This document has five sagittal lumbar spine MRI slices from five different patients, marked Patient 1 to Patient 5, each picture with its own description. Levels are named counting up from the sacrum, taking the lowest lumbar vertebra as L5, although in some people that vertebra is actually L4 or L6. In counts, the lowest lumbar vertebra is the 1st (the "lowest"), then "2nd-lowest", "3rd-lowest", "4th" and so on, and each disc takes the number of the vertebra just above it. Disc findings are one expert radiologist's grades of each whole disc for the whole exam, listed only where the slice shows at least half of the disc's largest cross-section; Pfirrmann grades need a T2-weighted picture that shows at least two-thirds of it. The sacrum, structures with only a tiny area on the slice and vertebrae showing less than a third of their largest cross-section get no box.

Patient 1 of 5:
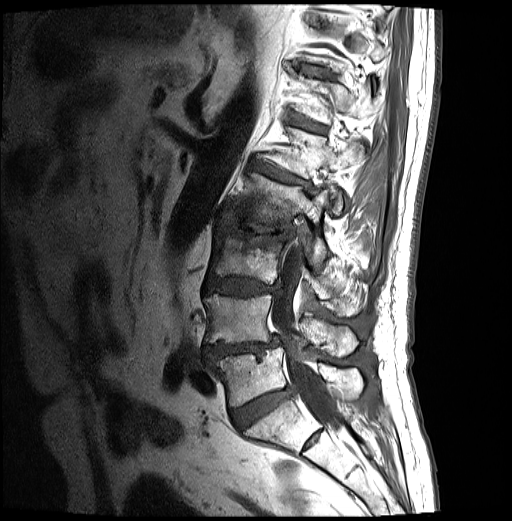

Lumbar spine MR, T1-weighted, sagittal. Image 512x521. Slice 16 of 30. Slice spacing 3.2 mm.

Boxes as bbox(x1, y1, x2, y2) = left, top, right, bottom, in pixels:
Annotations:
- lowest disc = bbox(232, 389, 290, 428)
- 4th vertebra = bbox(225, 173, 329, 266)
- 6th vertebra = bbox(293, 74, 375, 124)
- spinal canal = bbox(272, 241, 341, 431)
- 7th disc = bbox(300, 67, 328, 77)
- 6th disc = bbox(290, 115, 325, 132)
- 4th disc = bbox(217, 219, 291, 246)
- lowest vertebra = bbox(215, 346, 362, 406)
- 5th vertebra = bbox(258, 126, 363, 215)
- 3rd-lowest vertebra = bbox(209, 230, 360, 316)
- 5th disc = bbox(250, 160, 310, 189)
- 3rd-lowest disc = bbox(204, 278, 274, 296)
- 2nd-lowest disc = bbox(207, 338, 278, 358)
- 2nd-lowest vertebra = bbox(204, 294, 357, 355)

Per-level radiological findings:
  4th disc: disc narrowing, upper-endplate change, disc bulging, lower-endplate change, Modic type I
  2nd-lowest disc: spondylolisthesis, lower-endplate change, Modic type II, disc narrowing, disc herniation, disc bulging, upper-endplate change
  3rd-lowest disc: upper-endplate change, lower-endplate change, disc bulging
  5th disc: disc bulging, Modic type II, lower-endplate change, upper-endplate change
  lowest disc: no spondylolisthesis, narrowing, bulging, herniation, Modic or endplate change recorded

Patient 2 of 5:
Image 619x626; Patient sex: M; Slice 8/28; MRI lumbar spine (T1-weighted), sagittal plane

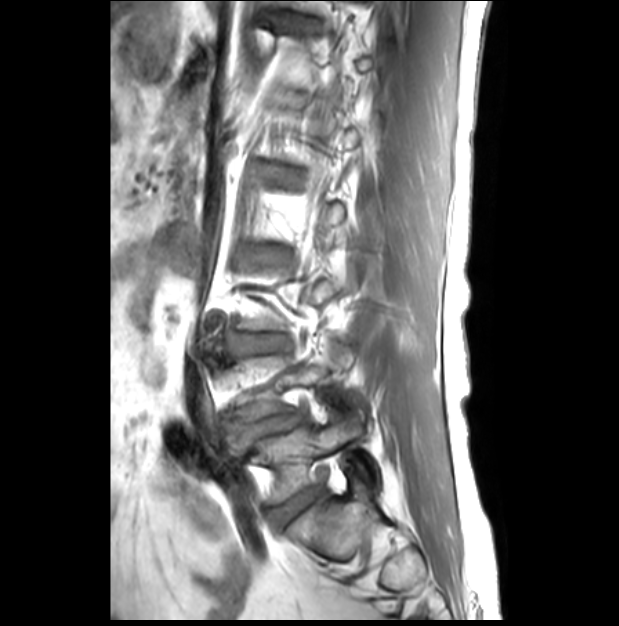 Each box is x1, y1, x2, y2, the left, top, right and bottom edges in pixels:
2nd-lowest disc at 257, 414, 296, 434; 4th disc at 233, 244, 292, 267; 5th disc at 253, 161, 303, 189; lowest disc at 273, 487, 324, 525; 3rd-lowest disc at 207, 334, 288, 356; lowest vertebra at 255, 414, 379, 502.

Radiological gradings:
  4th disc, 3rd-lowest disc: no herniation, bulging, narrowing, spondylolisthesis, endplate or Modic change recorded

Patient 3 of 5:
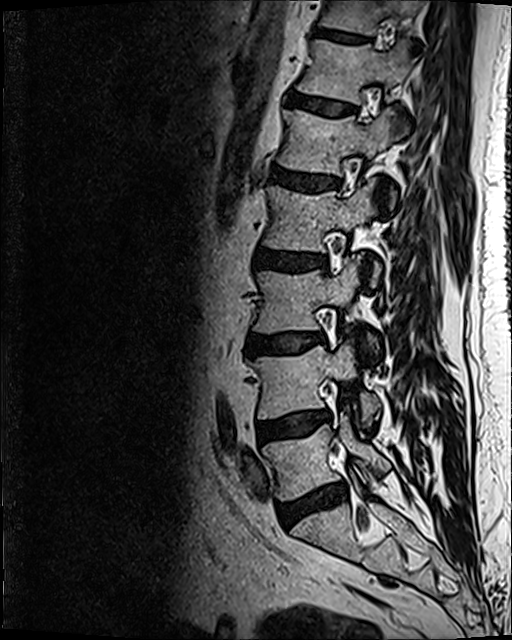 Patient sex: M. MRI lumbar spine (T2 SPACE (3D)), sagittal plane.
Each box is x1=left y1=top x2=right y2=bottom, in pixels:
T11/T12 at x1=315 y1=28 x2=370 y2=43, L4 vertebra at x1=255 y1=340 x2=379 y2=425, L5 vertebra at x1=262 y1=414 x2=390 y2=500, L2 vertebra at x1=263 y1=181 x2=381 y2=285, L1 vertebra at x1=278 y1=110 x2=398 y2=207, disc L2/L3 at x1=255 y1=249 x2=323 y2=269, disc L4/L5 at x1=257 y1=411 x2=328 y2=443, L3 at x1=253 y1=256 x2=375 y2=344, T11 vertebra at x1=321 y1=0 x2=420 y2=34, T12/L1 at x1=290 y1=91 x2=355 y2=114, T12 at x1=297 y1=40 x2=413 y2=104, L3/L4 at x1=244 y1=333 x2=321 y2=355, L1/L2 at x1=270 y1=166 x2=339 y2=193, L5/S1 at x1=277 y1=484 x2=346 y2=525.

Degenerative findings by level:
• L1/L2: Pfirrmann grade 3, disc bulging
• T11/T12: Pfirrmann grade 3
• L5/S1: Pfirrmann grade 3, Modic type II, disc bulging, disc narrowing
• T12/L1: Pfirrmann grade 2
• L2/L3: Pfirrmann grade 3, disc bulging
• L3/L4: Pfirrmann grade 2, disc bulging, Modic type II
• L4/L5: Pfirrmann grade 2, Modic type II, disc bulging

Patient 4 of 5:
Image 512x640. MRI lumbar spine (T2 SPACE (3D)), sagittal plane. Slice 74 of 120.

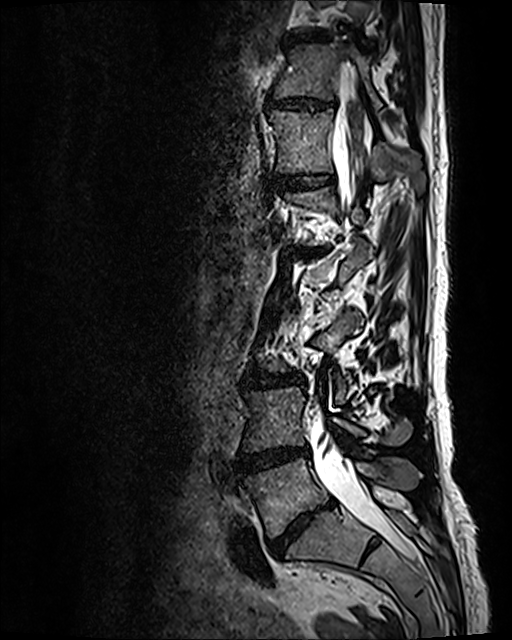

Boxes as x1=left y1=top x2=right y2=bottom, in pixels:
Segmented structures:
• 6th disc — x1=275 y1=174 x2=333 y2=189
• 5th disc — x1=286 y1=246 x2=328 y2=255
• thecal sac / spinal canal — x1=311 y1=61 x2=411 y2=558
• 6th vertebra — x1=268 y1=110 x2=425 y2=192
• 8th disc — x1=290 y1=37 x2=327 y2=43
• 7th vertebra — x1=274 y1=43 x2=382 y2=110
• 2nd-lowest disc — x1=237 y1=448 x2=308 y2=475
• 3rd-lowest disc — x1=243 y1=369 x2=302 y2=387
• lowest vertebra — x1=243 y1=457 x2=421 y2=538
• lowest disc — x1=270 y1=504 x2=330 y2=554
• 7th disc — x1=266 y1=95 x2=336 y2=111
• 2nd-lowest vertebra — x1=243 y1=387 x2=411 y2=452

Degenerative findings by level:
- 3rd-lowest disc: disc bulging
- lowest disc: Pfirrmann grade 5, disc narrowing, Modic type II, disc bulging, upper-endplate change, lower-endplate change
- 2nd-lowest disc: Pfirrmann grade 4, Modic type II, disc bulging, disc narrowing
- 7th disc: Pfirrmann grade 3, disc narrowing, disc bulging
- 6th disc: no spondylolisthesis, narrowing, bulging, herniation, Modic or endplate change recorded

Patient 5 of 5:
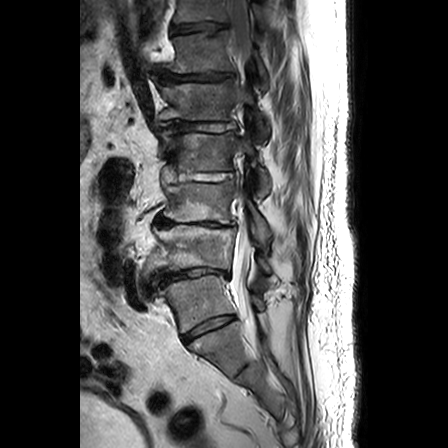 Slice 12 of 26 | 448x448 px | Patient sex: M | MRI lumbar spine (T2-weighted), sagittal plane
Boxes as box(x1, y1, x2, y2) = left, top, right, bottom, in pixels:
Structures:
• T11: box(173, 0, 267, 27)
• L3 vertebra: box(163, 181, 270, 241)
• L2: box(156, 129, 270, 197)
• T11/T12: box(171, 23, 227, 34)
• disc L3/L4: box(155, 217, 235, 226)
• L2/L3: box(174, 173, 227, 181)
• L1 vertebra: box(155, 78, 269, 139)
• T12/L1: box(158, 70, 233, 82)
• T12 vertebra: box(162, 31, 268, 89)
• L4: box(144, 224, 270, 280)
• L4/L5: box(151, 268, 228, 287)
• L5: box(158, 275, 264, 332)
• thecal sac / spinal canal: box(229, 0, 253, 321)
• L5/S1: box(183, 316, 233, 342)
• disc L1/L2: box(159, 121, 233, 132)

Expert MSK radiologist gradings (per disc):
  T11/T12: Pfirrmann grade 3, upper-endplate change, disc narrowing, disc bulging
  L2/L3: Pfirrmann grade 4, disc bulging, disc narrowing
  T12/L1: Pfirrmann grade 4, disc narrowing, disc bulging, disc herniation
  L4/L5: Pfirrmann grade 5, disc herniation, disc narrowing, disc bulging, Modic type II
  L3/L4: Pfirrmann grade 5, disc herniation, Modic type II, disc bulging, disc narrowing
  L1/L2: Pfirrmann grade 4, disc narrowing, disc bulging
  L5/S1: Pfirrmann grade 4, disc narrowing